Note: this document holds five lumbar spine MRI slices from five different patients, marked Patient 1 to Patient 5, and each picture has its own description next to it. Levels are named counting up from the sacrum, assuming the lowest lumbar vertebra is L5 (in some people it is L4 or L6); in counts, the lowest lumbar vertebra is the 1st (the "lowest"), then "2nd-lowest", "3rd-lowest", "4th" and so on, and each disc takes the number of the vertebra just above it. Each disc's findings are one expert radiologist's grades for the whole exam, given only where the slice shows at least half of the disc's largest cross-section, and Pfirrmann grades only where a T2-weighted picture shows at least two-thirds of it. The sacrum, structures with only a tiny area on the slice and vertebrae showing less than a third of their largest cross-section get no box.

Patient 1 of 5:
Slice 12 of 18; Lumbar spine MR, T1-weighted, sagittal; Field of view 308x308 mm 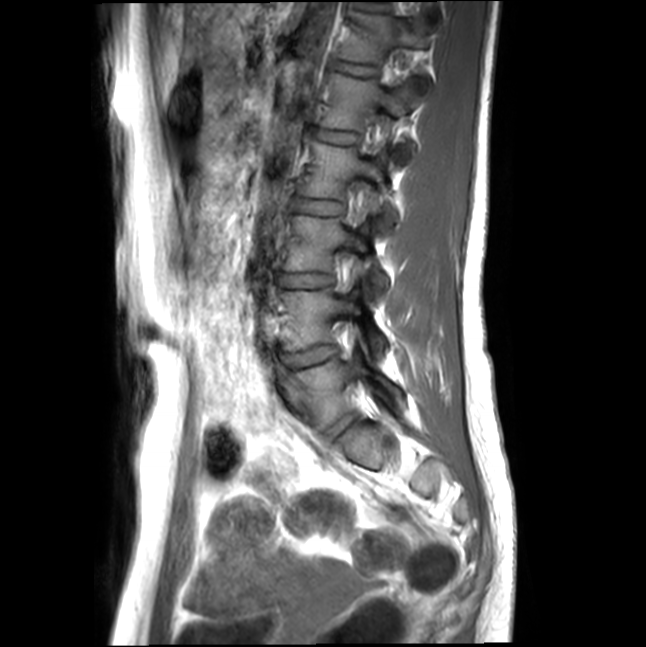
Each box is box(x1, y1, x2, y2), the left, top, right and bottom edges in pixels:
L3 vertebra — box(284, 215, 388, 292).
Intervertebral disc L2/L3 — box(296, 199, 344, 214).
Intervertebral disc L4/L5 — box(283, 346, 337, 369).
Intervertebral disc L5/S1 — box(326, 415, 354, 438).
T12/L1 — box(339, 62, 378, 76).
L1 vertebra — box(321, 73, 417, 157).
L4 vertebra — box(281, 289, 386, 354).
L5 vertebra — box(297, 356, 400, 430).
L3/L4 — box(279, 273, 332, 287).
L2 vertebra — box(300, 142, 397, 232).
L1/L2 — box(316, 131, 360, 144).
T12 — box(340, 10, 428, 65).
Thecal sac / spinal canal — box(344, 48, 401, 271).

Radiological gradings:
  L1/L2, L4/L5, T12/L1, L2/L3, L3/L4: no herniation, bulging, narrowing, spondylolisthesis, endplate or Modic change recorded

Patient 2 of 5:
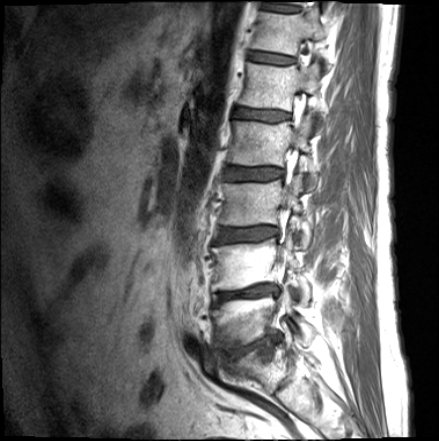 MRI lumbar spine (T1-weighted), sagittal plane
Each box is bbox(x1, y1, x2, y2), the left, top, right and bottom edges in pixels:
6th disc at bbox(249, 52, 294, 64); 7th disc at bbox(264, 3, 299, 12); 3rd-lowest disc at bbox(214, 226, 278, 243); 4th vertebra at bbox(227, 113, 316, 190); lowest vertebra at bbox(211, 286, 315, 349); 4th disc at bbox(225, 167, 283, 180); 2nd-lowest disc at bbox(213, 285, 278, 305); 5th disc at bbox(234, 107, 289, 121); 6th vertebra at bbox(250, 9, 326, 65); 2nd-lowest vertebra at bbox(211, 232, 311, 303); lowest disc at bbox(225, 335, 281, 359); 3rd-lowest vertebra at bbox(220, 173, 311, 248); 5th vertebra at bbox(239, 62, 325, 127).

Expert MSK radiologist gradings (per disc):
- 2nd-lowest disc: Modic type II, disc bulging, lower-endplate change, disc narrowing, upper-endplate change
- 3rd-lowest disc: upper-endplate change, disc bulging, lower-endplate change
- 4th disc: upper-endplate change, lower-endplate change
- 6th disc: lower-endplate change, upper-endplate change
- lowest disc: Modic type II, lower-endplate change, disc bulging, disc narrowing, upper-endplate change
- 5th disc: lower-endplate change, upper-endplate change
- 7th disc: no herniation, bulging, narrowing, spondylolisthesis, endplate or Modic change recorded

Patient 3 of 5:
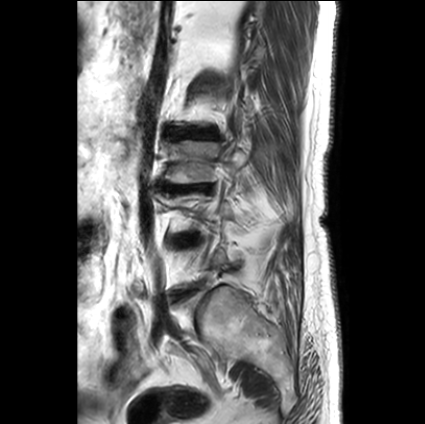

Slice 5/27, MRI lumbar spine (T2-weighted), sagittal plane, 425x424 px
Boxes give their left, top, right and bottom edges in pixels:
Disc L2/L3 (4th disc) at left=169, top=129, right=218, bottom=138.
L3 (3rd-lowest vertebra) at left=166, top=140, right=247, bottom=183.
L3/L4 (3rd-lowest disc) at left=163, top=184, right=211, bottom=191.
Disc L4/L5 (2nd-lowest disc) at left=177, top=234, right=198, bottom=244.

Degenerative findings by level:
- L2/L3 (4th disc): Pfirrmann grade 1, lower-endplate change, disc narrowing, upper-endplate change, disc bulging
- L3/L4 (3rd-lowest disc): Pfirrmann grade 5, disc narrowing, Modic type II, disc bulging, upper-endplate change, lower-endplate change

Patient 4 of 5:
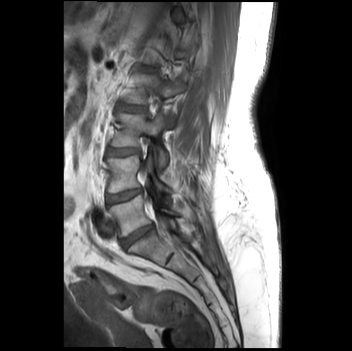 MRI lumbar spine (T1-weighted), sagittal plane

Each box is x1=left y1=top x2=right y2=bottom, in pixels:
L5/S1 at x1=120 y1=224 x2=153 y2=248 | L2 vertebra at x1=123 y1=73 x2=184 y2=126 | L2/L3 at x1=117 y1=104 x2=145 y2=111 | L5 at x1=108 y1=195 x2=195 y2=236 | L3 at x1=111 y1=112 x2=167 y2=169 | L4/L5 at x1=106 y1=187 x2=141 y2=205 | L4 at x1=106 y1=156 x2=172 y2=192 | L3/L4 at x1=106 y1=148 x2=138 y2=156

Per-level radiological findings:
• L5/S1: Modic type II, disc narrowing, lower-endplate change, upper-endplate change
• L4/L5, L3/L4: no spondylolisthesis, narrowing, bulging, herniation, Modic or endplate change recorded

Patient 5 of 5:
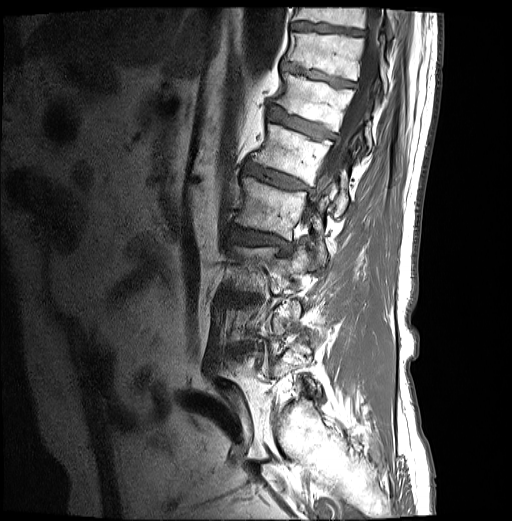
Sex M; 512x521 px; MRI lumbar spine (T1-weighted), sagittal plane
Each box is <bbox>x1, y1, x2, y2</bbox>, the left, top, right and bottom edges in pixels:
* 7th vertebra — <bbox>286, 33, 387, 93</bbox>
* thecal sac / spinal canal — <bbox>305, 7, 381, 219</bbox>
* 7th disc — <bbox>283, 62, 355, 87</bbox>
* 6th disc — <bbox>269, 108, 335, 138</bbox>
* 4th disc — <bbox>230, 226, 290, 252</bbox>
* 4th vertebra — <bbox>234, 177, 328, 263</bbox>
* 8th disc — <bbox>292, 21, 362, 34</bbox>
* 5th disc — <bbox>244, 162, 307, 189</bbox>
* 6th vertebra — <bbox>276, 72, 371, 148</bbox>
* 5th vertebra — <bbox>251, 123, 348, 216</bbox>
* 8th vertebra — <bbox>293, 7, 396, 37</bbox>

Degenerative findings by level:
• 6th disc: upper-endplate change, disc bulging, lower-endplate change, Modic type II
• 7th disc: upper-endplate change, disc bulging, lower-endplate change
• 4th disc: Modic type I, disc bulging, lower-endplate change, upper-endplate change, disc narrowing
• 5th disc: disc bulging, upper-endplate change, Modic type II, lower-endplate change
• 8th disc: no herniation, bulging, narrowing, spondylolisthesis, endplate or Modic change recorded